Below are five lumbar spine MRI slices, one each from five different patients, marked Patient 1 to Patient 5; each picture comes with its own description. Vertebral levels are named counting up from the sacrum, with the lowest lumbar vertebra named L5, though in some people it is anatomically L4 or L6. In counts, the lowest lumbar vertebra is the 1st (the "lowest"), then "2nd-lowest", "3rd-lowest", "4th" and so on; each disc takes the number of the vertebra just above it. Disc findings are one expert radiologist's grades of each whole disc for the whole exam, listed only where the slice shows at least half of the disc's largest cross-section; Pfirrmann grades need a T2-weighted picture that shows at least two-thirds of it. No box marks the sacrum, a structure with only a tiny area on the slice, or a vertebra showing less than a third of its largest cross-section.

Patient 1 of 5:
Scanner: SIEMENS SymphonyTim (1.5T); Sagittal slice index 11; Slice spacing 4.4 mm; Lumbar spine MR, T1-weighted, sagittal; Patient sex: F
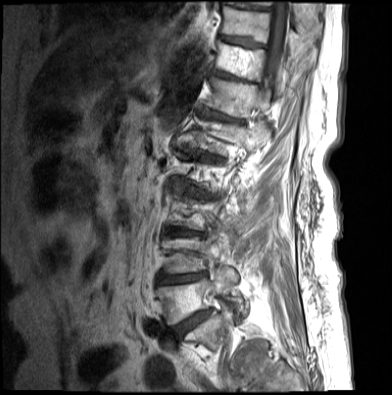
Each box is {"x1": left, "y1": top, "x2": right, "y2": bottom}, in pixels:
Segmented structures:
• T12 vertebra = {"x1": 205, "y1": 76, "x2": 270, "y2": 116}
• L4 = {"x1": 162, "y1": 237, "x2": 238, "y2": 283}
• L1 vertebra = {"x1": 190, "y1": 117, "x2": 270, "y2": 154}
• T10/T11 = {"x1": 219, "y1": 34, "x2": 265, "y2": 47}
• L5 vertebra = {"x1": 156, "y1": 267, "x2": 233, "y2": 324}
• thecal sac / spinal canal = {"x1": 260, "y1": 0, "x2": 288, "y2": 97}
• T10 vertebra = {"x1": 221, "y1": 6, "x2": 298, "y2": 48}
• T11/T12 = {"x1": 212, "y1": 70, "x2": 258, "y2": 83}
• L2/L3 = {"x1": 180, "y1": 187, "x2": 209, "y2": 197}
• L3/L4 = {"x1": 167, "y1": 230, "x2": 203, "y2": 236}
• IVD T9/T10 = {"x1": 229, "y1": 2, "x2": 269, "y2": 9}
• L4/L5 = {"x1": 156, "y1": 273, "x2": 206, "y2": 284}
• IVD L1/L2 = {"x1": 181, "y1": 147, "x2": 221, "y2": 159}
• T11 = {"x1": 215, "y1": 40, "x2": 285, "y2": 96}
• T12/L1 = {"x1": 199, "y1": 106, "x2": 242, "y2": 122}
• IVD L5/S1 = {"x1": 170, "y1": 309, "x2": 210, "y2": 338}

Expert MSK radiologist gradings (per disc):
• T10/T11: Modic type II
• L4/L5: Modic type II, disc bulging, disc narrowing, upper-endplate change, lower-endplate change
• L3/L4: upper-endplate change, disc narrowing, disc bulging, Modic type II, lower-endplate change
• T11/T12: disc narrowing, Modic type II, disc bulging
• L5/S1: disc narrowing, Modic type II, disc bulging, spondylolisthesis
• T12/L1: disc narrowing, upper-endplate change, disc bulging, Modic type II, lower-endplate change
• T9/T10: no spondylolisthesis, narrowing, bulging, herniation, Modic or endplate change recorded

Patient 2 of 5:
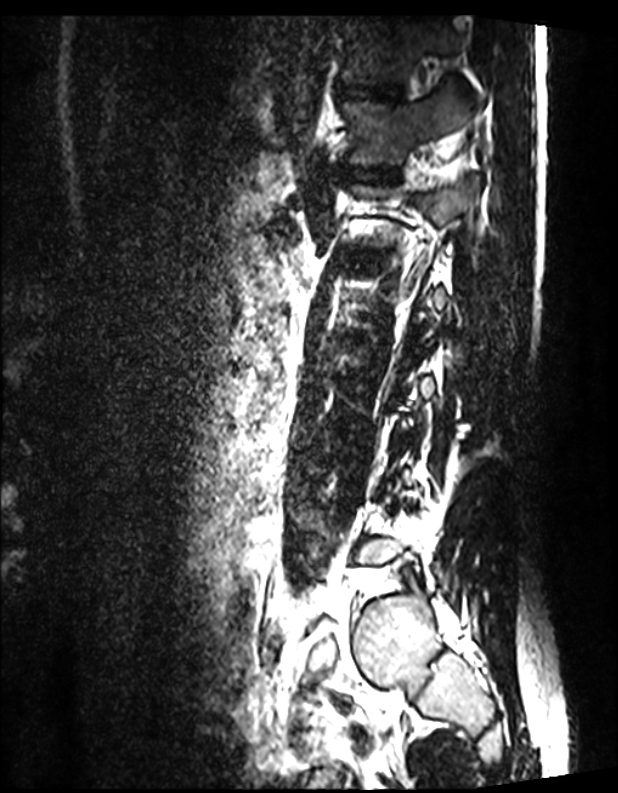 Lumbar spine MR, T2 SPACE (3D), sagittal
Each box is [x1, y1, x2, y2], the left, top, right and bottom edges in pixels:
T11 (7th vertebra) at [339, 17, 458, 84], T11/T12 (7th disc) at [339, 86, 401, 101], T12 (6th vertebra) at [345, 91, 474, 164], intervertebral disc T12/L1 (6th disc) at [338, 166, 395, 181].

Per-level radiological findings:
- T11/T12 (7th disc): Pfirrmann grade 1
- T12/L1 (6th disc): no herniation, bulging, narrowing, spondylolisthesis, endplate or Modic change recorded

Patient 3 of 5:
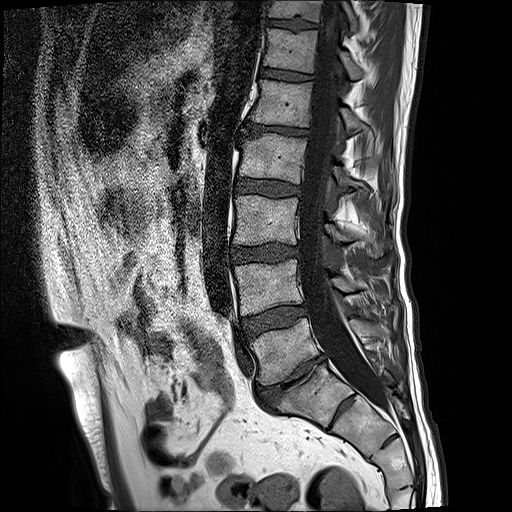

T1-weighted sagittal MRI of the lumbar spine.

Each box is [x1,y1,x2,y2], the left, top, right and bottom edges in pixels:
{"L1": "[250,80,365,129]", "L2": "[239,134,387,188]", "L1/L2": "[241,123,307,137]", "T12/L1": "[259,66,310,81]", "L3/L4": "[233,246,299,264]", "disc T11/T12": "[267,18,316,30]", "L3 vertebra": "[233,195,392,258]", "disc L2/L3": "[234,178,300,197]", "spinal canal": "[298,0,389,413]", "L4": "[234,259,391,315]", "disc L4/L5": "[244,306,305,341]", "L5 vertebra": "[250,318,393,385]", "T11 vertebra": "[269,0,360,34]", "T12 vertebra": "[262,29,366,78]", "L5/S1": "[257,354,325,408]"}

Expert MSK radiologist gradings (per disc):
  L4/L5: Modic type II
  T11/T12: lower-endplate change, upper-endplate change
  L3/L4: upper-endplate change, disc bulging, lower-endplate change
  L5/S1: disc bulging, Modic type II, lower-endplate change, upper-endplate change, disc narrowing
  L1/L2: Modic type II, disc narrowing, lower-endplate change, upper-endplate change, disc bulging
  T12/L1, L2/L3: no herniation, bulging, narrowing, spondylolisthesis, endplate or Modic change recorded

Patient 4 of 5:
Sex F. Lumbar spine MR, T2-weighted, sagittal. Scanner: SIEMENS Avanto_fit (1.5T). Sagittal slice index 11. 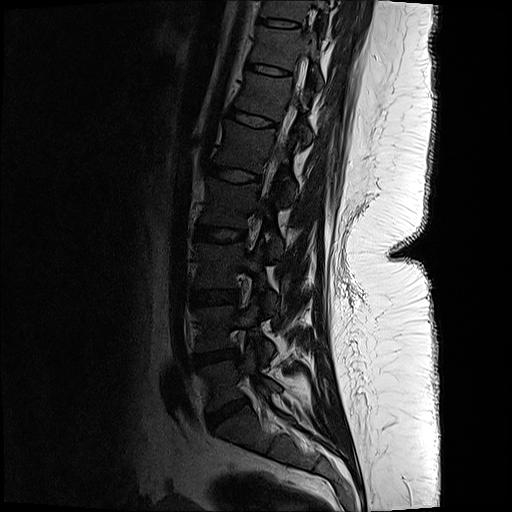 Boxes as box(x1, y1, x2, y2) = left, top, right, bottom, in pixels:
3rd-lowest vertebra at box(195, 244, 276, 310); 8th vertebra at box(263, 0, 331, 21); 5th disc at box(205, 166, 260, 184); 2nd-lowest disc at box(194, 350, 235, 364); lowest vertebra at box(202, 347, 278, 409); 4th disc at box(195, 226, 245, 244); lowest disc at box(206, 398, 244, 425); 7th vertebra at box(254, 26, 318, 68); 2nd-lowest vertebra at box(197, 305, 270, 364); 6th vertebra at box(237, 72, 312, 144); 8th disc at box(263, 19, 299, 29); 5th vertebra at box(217, 121, 298, 206); 3rd-lowest disc at box(192, 290, 234, 305); 7th disc at box(248, 62, 292, 76); 6th disc at box(227, 108, 277, 128); 4th vertebra at box(203, 179, 283, 258).

Per-level radiological findings:
  6th disc: Pfirrmann grade 1
  lowest disc: disc bulging, disc narrowing
  4th disc: Pfirrmann grade 1
  7th disc: Pfirrmann grade 1
  8th disc: Pfirrmann grade 1
  5th disc: Pfirrmann grade 1
  3rd-lowest disc: no Modic or endplate change, herniation, narrowing, bulging or spondylolisthesis recorded

Patient 5 of 5:
T2-weighted sagittal MRI of the lumbar spine, Slice 16/27, 861x872 px

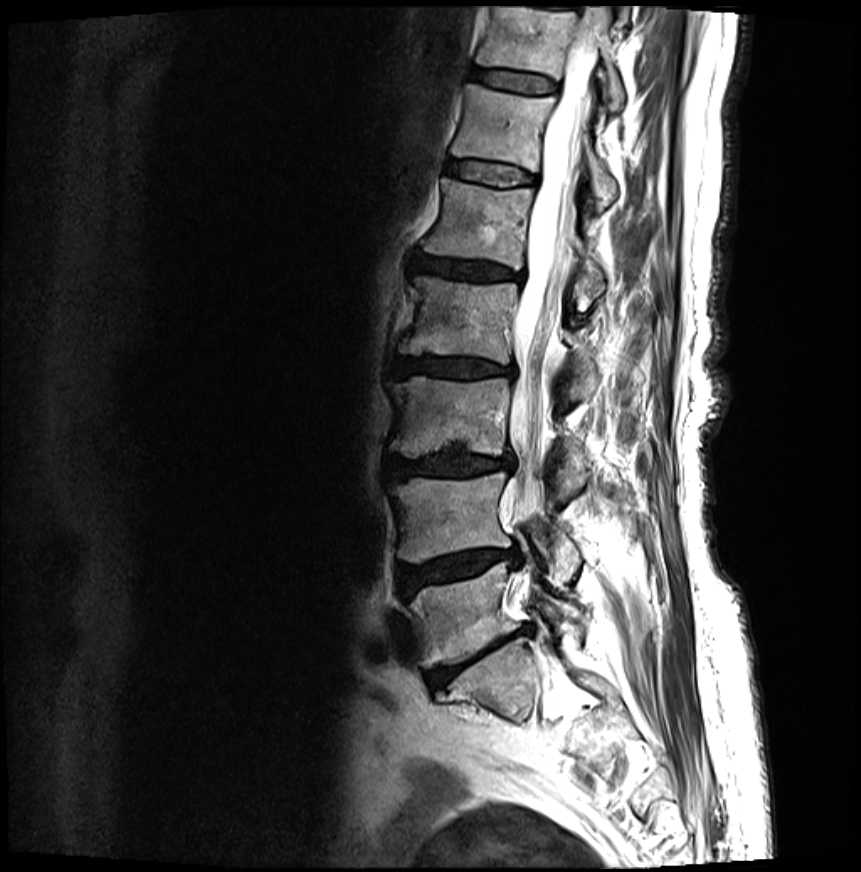
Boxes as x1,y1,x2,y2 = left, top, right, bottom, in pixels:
Annotations:
- L3 — 390,376,589,499
- T11 — 476,7,624,112
- IVD L5/S1 — 427,628,527,687
- L2 vertebra — 397,276,598,391
- T12/L1 — 449,162,532,187
- L4 — 392,473,581,582
- L2/L3 — 393,357,513,377
- T12 vertebra — 452,85,616,210
- IVD L4/L5 — 400,550,517,594
- IVD T11/T12 — 472,69,556,94
- L5 — 409,562,582,668
- IVD L1/L2 — 414,257,520,281
- L1 vertebra — 424,178,604,303
- spinal canal — 508,38,598,525
- L3/L4 — 388,451,513,479

Expert MSK radiologist gradings (per disc):
  T11/T12: Pfirrmann grade 2, lower-endplate change, Modic type II, upper-endplate change
  L4/L5: Pfirrmann grade 4, upper-endplate change, lower-endplate change, disc narrowing, disc bulging, disc herniation, Modic type II
  L2/L3: Pfirrmann grade 4, disc narrowing, disc bulging, Modic type II, upper-endplate change, lower-endplate change
  L3/L4: Pfirrmann grade 4, lower-endplate change, Modic type II, upper-endplate change, disc narrowing, disc bulging
  T12/L1: Pfirrmann grade 2, lower-endplate change, upper-endplate change, Modic type II
  L1/L2: Pfirrmann grade 4, Modic type II, disc bulging, upper-endplate change, lower-endplate change, disc narrowing